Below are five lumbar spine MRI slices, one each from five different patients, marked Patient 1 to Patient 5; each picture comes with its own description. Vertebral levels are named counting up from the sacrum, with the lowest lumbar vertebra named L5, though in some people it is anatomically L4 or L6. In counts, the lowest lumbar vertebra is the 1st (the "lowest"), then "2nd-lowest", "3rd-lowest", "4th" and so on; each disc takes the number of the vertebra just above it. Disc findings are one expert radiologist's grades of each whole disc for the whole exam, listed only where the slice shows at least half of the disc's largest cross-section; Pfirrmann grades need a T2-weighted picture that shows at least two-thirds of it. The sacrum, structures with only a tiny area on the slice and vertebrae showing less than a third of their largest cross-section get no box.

Patient 1 of 5:
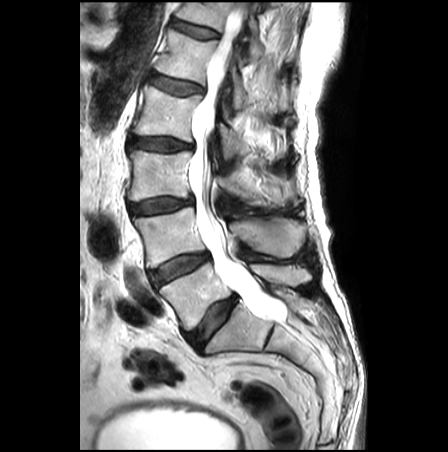

Lumbar spine MR, T2-weighted, sagittal. Sex M.
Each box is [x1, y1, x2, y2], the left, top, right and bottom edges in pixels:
3rd-lowest vertebra = [128, 150, 292, 204].
4th vertebra = [134, 85, 286, 157].
2nd-lowest disc = [150, 253, 208, 285].
6th disc = [171, 19, 219, 38].
6th vertebra = [175, 2, 290, 59].
Lowest disc = [187, 295, 236, 350].
Spinal canal = [190, 2, 285, 321].
Lowest vertebra = [160, 262, 310, 330].
2nd-lowest vertebra = [133, 207, 304, 267].
5th disc = [150, 72, 203, 95].
4th disc = [127, 137, 191, 151].
3rd-lowest disc = [130, 197, 192, 214].
5th vertebra = [155, 28, 295, 112].

Radiological gradings:
- 3rd-lowest disc: Pfirrmann grade 3, disc bulging, disc narrowing
- 6th disc: Pfirrmann grade 1
- 5th disc: Pfirrmann grade 2, disc bulging, upper-endplate change, lower-endplate change, Modic type II
- 4th disc: Pfirrmann grade 3, disc bulging
- lowest disc: Pfirrmann grade 3, disc bulging
- 2nd-lowest disc: Pfirrmann grade 3, disc bulging

Patient 2 of 5:
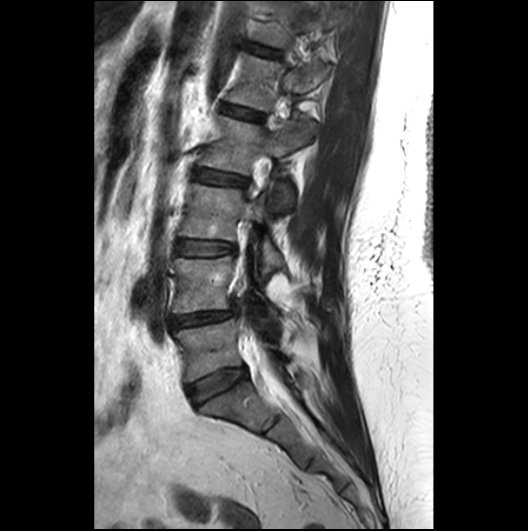 Lumbar spine MR, T2-weighted, sagittal, Image 528x531
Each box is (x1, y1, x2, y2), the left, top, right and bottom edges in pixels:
Structures:
• lowest disc = (187, 367, 245, 404)
• 3rd-lowest vertebra = (179, 184, 283, 274)
• 6th vertebra = (256, 5, 341, 46)
• 5th vertebra = (227, 54, 330, 110)
• 4th disc = (194, 169, 246, 185)
• 5th disc = (221, 104, 263, 121)
• 3rd-lowest disc = (178, 239, 235, 255)
• spinal canal = (240, 268, 286, 396)
• 6th disc = (248, 44, 278, 55)
• 2nd-lowest disc = (168, 305, 238, 328)
• 4th vertebra = (199, 116, 315, 212)
• 2nd-lowest vertebra = (172, 256, 277, 318)
• lowest vertebra = (174, 319, 286, 381)

Degenerative findings by level:
- 3rd-lowest disc: Pfirrmann grade 2
- 2nd-lowest disc: Pfirrmann grade 3, disc narrowing, disc herniation
- 4th disc: Pfirrmann grade 2
- lowest disc: Pfirrmann grade 3
- 5th disc: no spondylolisthesis, narrowing, bulging, herniation, Modic or endplate change recorded

Patient 3 of 5:
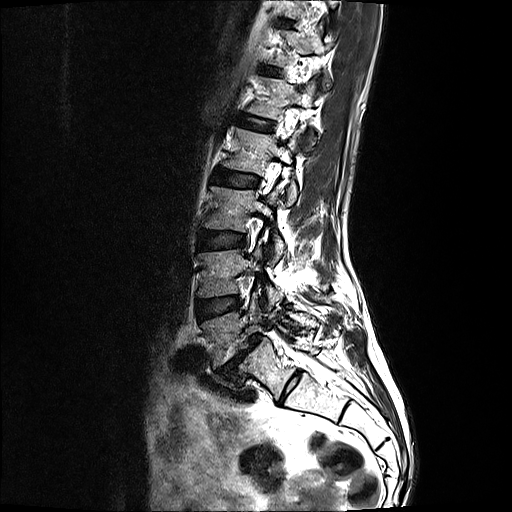
Slice 13 of 17; Sagittal T2-weighted lumbar spine MRI
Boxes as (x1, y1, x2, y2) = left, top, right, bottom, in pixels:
{"intervertebral disc L3/L4": "(200, 230, 247, 249)", "intervertebral disc L5/S1": "(216, 334, 262, 376)", "intervertebral disc L2/L3": "(216, 168, 260, 187)", "intervertebral disc L4/L5": "(198, 296, 242, 319)", "L3 vertebra": "(205, 185, 286, 259)", "L4 vertebra": "(199, 245, 285, 308)", "intervertebral disc L1/L2": "(240, 116, 273, 130)", "L5": "(202, 293, 319, 367)", "L1": "(252, 79, 319, 144)", "L2": "(225, 127, 304, 204)"}

Per-level radiological findings:
- L5/S1: disc narrowing, disc bulging, Modic type II, spondylolisthesis
- L3/L4: Pfirrmann grade 2
- L4/L5: Pfirrmann grade 2
- L2/L3: Pfirrmann grade 2
- L1/L2: no herniation, bulging, narrowing, spondylolisthesis, endplate or Modic change recorded

Patient 4 of 5:
Sagittal T2 SPACE (3D) lumbar spine MRI
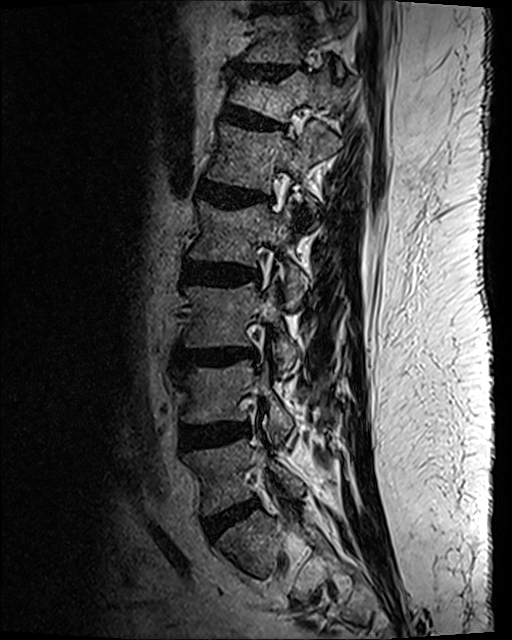

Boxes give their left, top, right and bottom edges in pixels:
Structures:
- 8th disc — left=265, top=8, right=291, bottom=13
- 7th disc — left=235, top=65, right=291, bottom=79
- 6th disc — left=222, top=105, right=282, bottom=130
- 3rd-lowest vertebra — left=184, top=282, right=298, bottom=378
- 4th vertebra — left=191, top=201, right=306, bottom=308
- 2nd-lowest vertebra — left=182, top=362, right=295, bottom=442
- lowest vertebra — left=186, top=440, right=303, bottom=515
- 4th disc — left=182, top=261, right=259, bottom=287
- 6th vertebra — left=229, top=67, right=352, bottom=122
- 5th disc — left=197, top=181, right=261, bottom=209
- 3rd-lowest disc — left=180, top=351, right=256, bottom=367
- 2nd-lowest disc — left=180, top=425, right=249, bottom=450
- 5th vertebra — left=208, top=125, right=336, bottom=211
- lowest disc — left=203, top=499, right=258, bottom=539
- 7th vertebra — left=245, top=17, right=349, bottom=76

Degenerative findings by level:
  4th disc: Pfirrmann grade 3, lower-endplate change, disc bulging
  6th disc: Pfirrmann grade 2, disc bulging, lower-endplate change, upper-endplate change, spondylolisthesis
  2nd-lowest disc: Pfirrmann grade 3, disc narrowing, disc bulging
  3rd-lowest disc: Modic type II, lower-endplate change, disc bulging, upper-endplate change
  lowest disc: disc bulging
  7th disc: upper-endplate change, lower-endplate change, disc narrowing, disc bulging
  5th disc: Pfirrmann grade 3, disc narrowing, disc bulging, upper-endplate change, Modic type II, lower-endplate change

Patient 5 of 5:
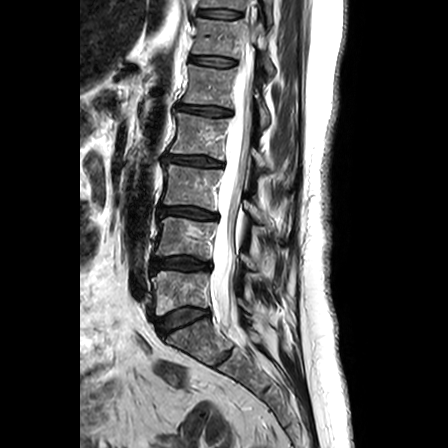

MRI lumbar spine (T2-weighted), sagittal plane. Slice 12/24. Image 448x448.

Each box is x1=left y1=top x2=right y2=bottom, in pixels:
2nd-lowest vertebra at x1=154 y1=217 x2=261 y2=281.
Spinal canal at x1=210 y1=35 x2=253 y2=341.
7th disc at x1=199 y1=10 x2=239 y2=18.
6th disc at x1=191 y1=56 x2=235 y2=66.
5th disc at x1=178 y1=104 x2=230 y2=115.
3rd-lowest disc at x1=159 y1=206 x2=217 y2=218.
4th disc at x1=164 y1=154 x2=222 y2=166.
6th vertebra at x1=193 y1=18 x2=273 y2=74.
3rd-lowest vertebra at x1=163 y1=164 x2=262 y2=223.
5th vertebra at x1=183 y1=64 x2=269 y2=127.
4th vertebra at x1=170 y1=112 x2=265 y2=169.
2nd-lowest disc at x1=151 y1=257 x2=209 y2=272.
Lowest vertebra at x1=151 y1=270 x2=250 y2=315.
Lowest disc at x1=157 y1=307 x2=209 y2=334.
7th vertebra at x1=201 y1=0 x2=272 y2=22.

Expert MSK radiologist gradings (per disc):
  7th disc: Pfirrmann grade 1
  3rd-lowest disc: Pfirrmann grade 3, disc narrowing, Modic type II, disc bulging, lower-endplate change, upper-endplate change
  lowest disc: Pfirrmann grade 2, Modic type II, upper-endplate change, lower-endplate change
  6th disc: Pfirrmann grade 1
  5th disc: Pfirrmann grade 3, disc bulging, disc narrowing
  4th disc: Pfirrmann grade 3, lower-endplate change, upper-endplate change, Modic type II, disc narrowing, disc bulging
  2nd-lowest disc: Pfirrmann grade 3, Modic type II, disc bulging, lower-endplate change, upper-endplate change